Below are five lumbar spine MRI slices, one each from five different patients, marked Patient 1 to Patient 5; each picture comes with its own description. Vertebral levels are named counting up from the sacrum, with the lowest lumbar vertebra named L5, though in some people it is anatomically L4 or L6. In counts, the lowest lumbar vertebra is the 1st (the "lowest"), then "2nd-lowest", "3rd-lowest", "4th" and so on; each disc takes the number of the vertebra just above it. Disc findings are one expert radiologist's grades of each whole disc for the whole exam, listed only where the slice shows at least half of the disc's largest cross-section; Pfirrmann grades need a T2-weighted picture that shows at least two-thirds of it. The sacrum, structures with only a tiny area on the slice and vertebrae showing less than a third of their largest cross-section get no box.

Patient 1 of 5:
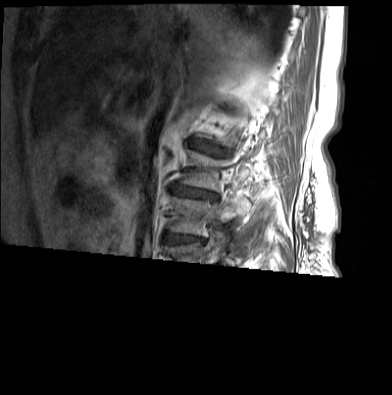
T1-weighted sagittal MRI of the lumbar spine

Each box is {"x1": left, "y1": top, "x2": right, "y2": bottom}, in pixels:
L1/L2 at {"x1": 190, "y1": 139, "x2": 206, "y2": 151} | IVD L2/L3 at {"x1": 172, "y1": 185, "x2": 214, "y2": 197} | L3 vertebra at {"x1": 172, "y1": 197, "x2": 249, "y2": 235}

Expert MSK radiologist gradings (per disc):
  L2/L3: disc herniation, disc bulging, upper-endplate change, Modic type II, lower-endplate change, disc narrowing

Patient 2 of 5:
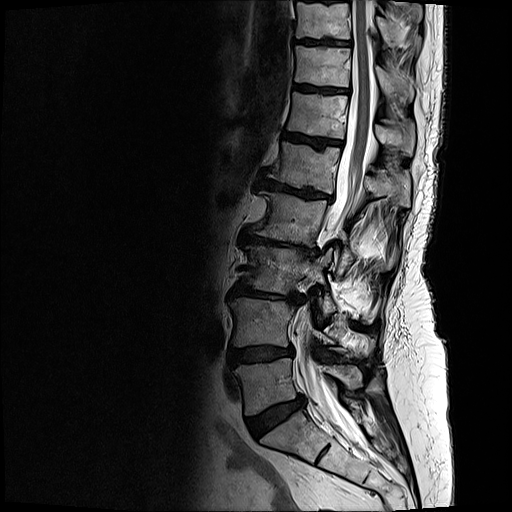

Image 512x512 | Slice 9/21 | MRI lumbar spine (T2-weighted), sagittal plane
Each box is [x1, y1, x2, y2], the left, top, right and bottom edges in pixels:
Spinal canal at [296, 0, 371, 442], 8th vertebra at [296, 0, 419, 46], 7th disc at [295, 85, 343, 93], 4th disc at [238, 230, 317, 258], 4th vertebra at [256, 191, 395, 274], lowest vertebra at [234, 358, 361, 415], 8th disc at [297, 39, 346, 45], 3rd-lowest vertebra at [244, 245, 371, 321], 6th disc at [283, 133, 341, 147], 2nd-lowest disc at [228, 346, 292, 366], 6th vertebra at [287, 92, 414, 156], lowest disc at [246, 395, 304, 437], 5th disc at [260, 178, 330, 199], 2nd-lowest vertebra at [229, 298, 373, 353], 7th vertebra at [295, 47, 413, 102], 5th vertebra at [269, 142, 410, 206], 3rd-lowest disc at [231, 283, 297, 302].

Radiological gradings:
  3rd-lowest disc: Modic type II, lower-endplate change, upper-endplate change, disc narrowing, disc bulging
  5th disc: Pfirrmann grade 5, Modic type II, upper-endplate change, disc bulging, lower-endplate change, disc narrowing
  8th disc: Pfirrmann grade 4, upper-endplate change, lower-endplate change
  6th disc: Pfirrmann grade 4, lower-endplate change, Modic type II, upper-endplate change
  4th disc: Pfirrmann grade 5, Modic type II, upper-endplate change, disc bulging, lower-endplate change, disc narrowing
  7th disc: Pfirrmann grade 4, lower-endplate change, upper-endplate change
  2nd-lowest disc: Pfirrmann grade 4, disc bulging, lower-endplate change, upper-endplate change
  lowest disc: Pfirrmann grade 4, disc bulging

Patient 3 of 5:
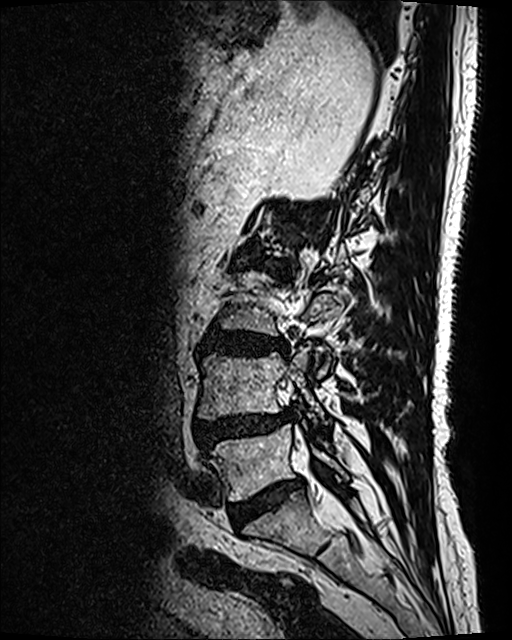

MRI lumbar spine (T2 SPACE (3D)), sagittal plane

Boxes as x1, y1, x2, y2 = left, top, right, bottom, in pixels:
L4 (2nd-lowest vertebra) = 198, 344, 329, 424.
L5/S1 (lowest disc) = 233, 478, 303, 521.
Disc L3/L4 (3rd-lowest disc) = 202, 330, 286, 353.
L4/L5 (2nd-lowest disc) = 195, 415, 285, 449.
L5 (lowest vertebra) = 213, 424, 347, 500.
L2/L3 (4th disc) = 262, 260, 283, 272.

Per-level radiological findings:
• L3/L4 (3rd-lowest disc): Pfirrmann grade 4, disc bulging, lower-endplate change, upper-endplate change
• L4/L5 (2nd-lowest disc): Pfirrmann grade 4, spondylolisthesis, lower-endplate change, Modic type II, upper-endplate change, disc narrowing, disc bulging, disc herniation
• L5/S1 (lowest disc): no Modic or endplate change, herniation, narrowing, bulging or spondylolisthesis recorded

Patient 4 of 5:
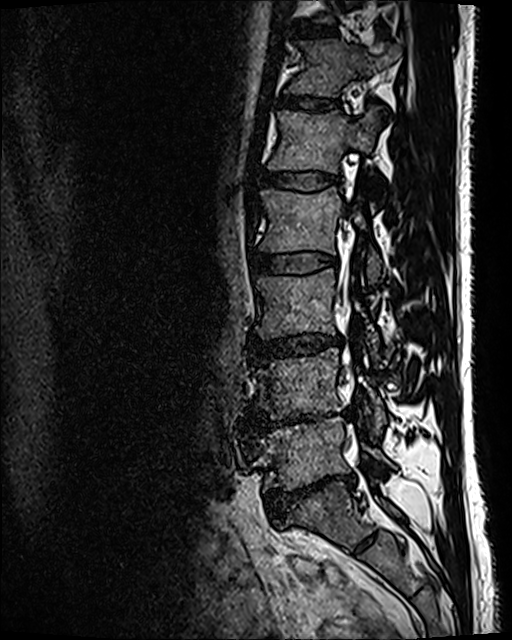

Slice 73/120. Slice spacing 0.9 mm. T2 SPACE (3D) sagittal MRI of the lumbar spine.
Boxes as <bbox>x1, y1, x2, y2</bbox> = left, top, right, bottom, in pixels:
L5 (lowest vertebra): <bbox>259, 418, 394, 491</bbox>.
Spinal canal: <bbox>337, 224, 351, 365</bbox>.
T12/L1 (6th disc): <bbox>281, 95, 339, 110</bbox>.
L2 (4th vertebra): <bbox>260, 187, 380, 281</bbox>.
L4/L5 (2nd-lowest disc): <bbox>254, 413, 330, 428</bbox>.
L3 (3rd-lowest vertebra): <bbox>254, 269, 378, 350</bbox>.
L1 (5th vertebra): <bbox>268, 109, 380, 173</bbox>.
IVD L3/L4 (3rd-lowest disc): <bbox>251, 335, 342, 359</bbox>.
L4 (2nd-lowest vertebra): <bbox>253, 349, 385, 434</bbox>.
IVD T11/T12 (7th disc): <bbox>296, 26, 338, 39</bbox>.
IVD L2/L3 (4th disc): <bbox>253, 253, 336, 274</bbox>.
T12 (6th vertebra): <bbox>287, 40, 398, 96</bbox>.
L5/S1 (lowest disc): <bbox>266, 475, 353, 520</bbox>.
L1/L2 (5th disc): <bbox>261, 171, 338, 190</bbox>.

Per-level radiological findings:
  L5/S1 (lowest disc): Pfirrmann grade 5, lower-endplate change, spondylolisthesis, disc bulging, disc narrowing
  L2/L3 (4th disc): Pfirrmann grade 2
  L3/L4 (3rd-lowest disc): Pfirrmann grade 3, disc narrowing, disc bulging
  L1/L2 (5th disc): Pfirrmann grade 2
  T12/L1 (6th disc): Pfirrmann grade 2

Patient 5 of 5:
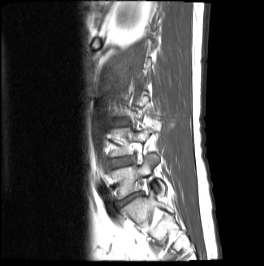

Sagittal slice index 17. MRI lumbar spine (T1-weighted), sagittal plane.
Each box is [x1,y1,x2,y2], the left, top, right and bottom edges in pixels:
2nd-lowest disc: [112,158,133,167]
lowest disc: [118,192,140,205]
lowest vertebra: [111,154,165,199]

Per-level radiological findings:
- 2nd-lowest disc: disc bulging